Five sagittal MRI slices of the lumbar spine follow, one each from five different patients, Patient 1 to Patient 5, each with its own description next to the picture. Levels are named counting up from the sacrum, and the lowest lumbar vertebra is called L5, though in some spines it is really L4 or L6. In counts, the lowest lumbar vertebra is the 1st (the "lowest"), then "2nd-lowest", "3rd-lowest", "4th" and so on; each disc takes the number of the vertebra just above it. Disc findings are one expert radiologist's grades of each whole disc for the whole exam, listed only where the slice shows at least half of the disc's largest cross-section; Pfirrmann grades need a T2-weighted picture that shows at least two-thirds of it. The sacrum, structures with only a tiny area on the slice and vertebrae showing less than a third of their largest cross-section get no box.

Patient 1 of 5:
Slice spacing 3.3 mm. Sex F. MRI lumbar spine (T1-weighted), sagittal plane. Slice 17/24. Image 448x448.

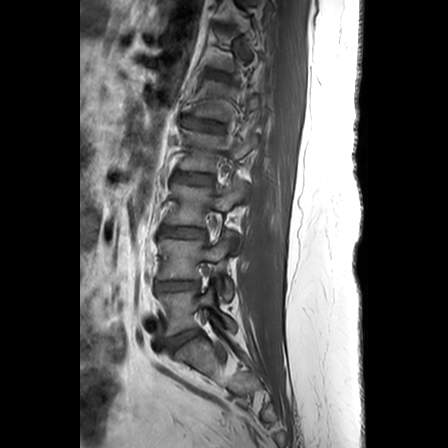

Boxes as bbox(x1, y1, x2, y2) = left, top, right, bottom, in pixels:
T12/L1 (6th disc) at bbox(206, 70, 225, 76); L5 (lowest vertebra) at bbox(159, 284, 236, 334); L3/L4 (3rd-lowest disc) at bbox(162, 226, 205, 236); L4/L5 (2nd-lowest disc) at bbox(155, 281, 199, 291); intervertebral disc L5/S1 (lowest disc) at bbox(169, 329, 200, 350); L3 (3rd-lowest vertebra) at bbox(165, 183, 248, 253); L2 (4th vertebra) at bbox(179, 128, 258, 171); intervertebral disc L2/L3 (4th disc) at bbox(175, 171, 212, 183); L1 (5th vertebra) at bbox(191, 80, 265, 120); L4 (2nd-lowest vertebra) at bbox(159, 233, 235, 299); L1/L2 (5th disc) at bbox(184, 116, 223, 130).

Degenerative findings by level:
  L1/L2 (5th disc): Modic type II, disc bulging, upper-endplate change
  L4/L5 (2nd-lowest disc): disc narrowing
  L3/L4 (3rd-lowest disc): upper-endplate change
  L2/L3 (4th disc): no spondylolisthesis, narrowing, bulging, herniation, Modic or endplate change recorded

Patient 2 of 5:
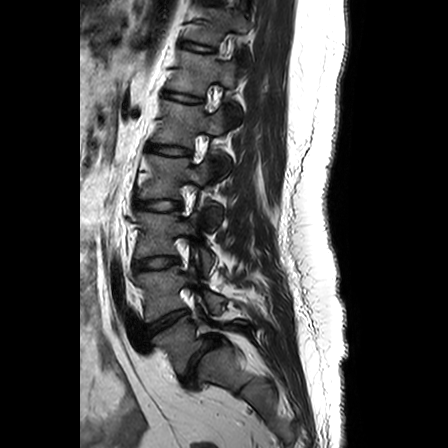 Image 448x448 | Sagittal slice index 16 | MRI lumbar spine (T2-weighted), sagittal plane
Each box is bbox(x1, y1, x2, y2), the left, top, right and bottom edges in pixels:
Disc L5/S1 at bbox(181, 336, 219, 385); L4/L5 at bbox(145, 309, 188, 334); T12/L1 at bbox(166, 92, 201, 102); L4 at bbox(136, 266, 223, 321); L3/L4 at bbox(134, 257, 178, 270); L3 vertebra at bbox(135, 212, 214, 271); L2 vertebra at bbox(138, 154, 217, 218); T11 vertebra at bbox(185, 7, 248, 44); T12 vertebra at bbox(167, 49, 235, 94); L5 vertebra at bbox(152, 310, 249, 375); L2/L3 at bbox(134, 199, 180, 210); disc L1/L2 at bbox(148, 144, 190, 154); disc T11/T12 at bbox(183, 42, 212, 51); L1 at bbox(152, 100, 224, 146).

Expert MSK radiologist gradings (per disc):
- L3/L4: Pfirrmann grade 3
- L1/L2: Pfirrmann grade 1
- L5/S1: Pfirrmann grade 1, spondylolisthesis, lower-endplate change, disc bulging, disc narrowing
- L4/L5: disc bulging
- L2/L3: Pfirrmann grade 4
- T12/L1, T11/T12: no Modic or endplate change, herniation, narrowing, bulging or spondylolisthesis recorded

Patient 3 of 5:
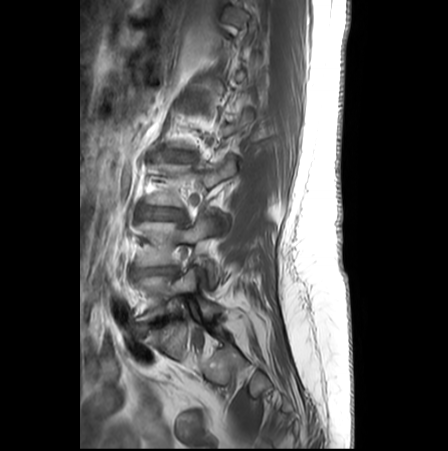

Sagittal slice index 19, Lumbar spine MR, T1-weighted, sagittal
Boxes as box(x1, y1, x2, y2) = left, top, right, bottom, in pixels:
L3/L4 (3rd-lowest disc): box(140, 207, 183, 219)
L4/L5 (2nd-lowest disc): box(131, 267, 178, 277)
IVD L2/L3 (4th disc): box(172, 153, 190, 160)
L5 (lowest vertebra): box(134, 267, 220, 321)
L3 (3rd-lowest vertebra): box(146, 156, 236, 227)
L4 (2nd-lowest vertebra): box(135, 214, 223, 284)
IVD L5/S1 (lowest disc): box(140, 314, 177, 330)

Per-level radiological findings:
  L3/L4 (3rd-lowest disc): disc bulging, Modic type II
  L4/L5 (2nd-lowest disc): disc bulging, disc narrowing, upper-endplate change, Modic type II

Patient 4 of 5:
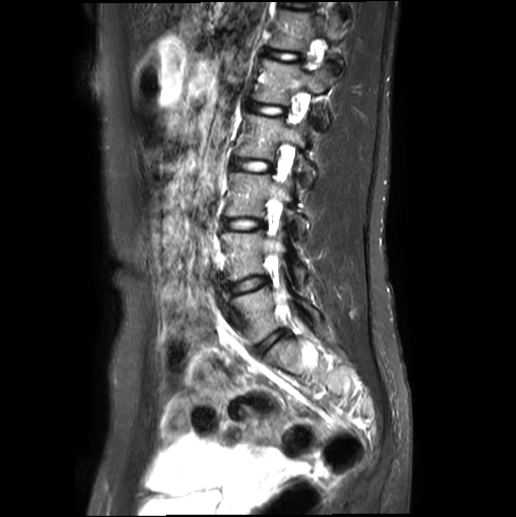
Image 516x517 | T2-weighted sagittal MRI of the lumbar spine | Slice 12 of 18

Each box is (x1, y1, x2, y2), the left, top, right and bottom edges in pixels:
Intervertebral disc L3/L4 at (221, 218, 263, 230), intervertebral disc T12/L1 at (269, 50, 300, 61), L5 at (236, 284, 318, 344), L3 at (225, 172, 308, 234), thecal sac / spinal canal at (273, 39, 318, 216), L4 at (223, 231, 306, 283), L1/L2 at (251, 105, 286, 115), L1 at (255, 58, 331, 125), T12 at (270, 8, 340, 52), L4/L5 at (224, 277, 267, 296), intervertebral disc L2/L3 at (235, 160, 273, 171), L5/S1 at (259, 332, 281, 350), L2 at (238, 114, 315, 185).

Per-level radiological findings:
• L3/L4: Pfirrmann grade 1
• L4/L5: Pfirrmann grade 1
• L2/L3: Pfirrmann grade 1
• T12/L1, L1/L2: no spondylolisthesis, narrowing, bulging, herniation, Modic or endplate change recorded

Patient 5 of 5:
Sagittal T2-weighted lumbar spine MRI, Patient sex: M

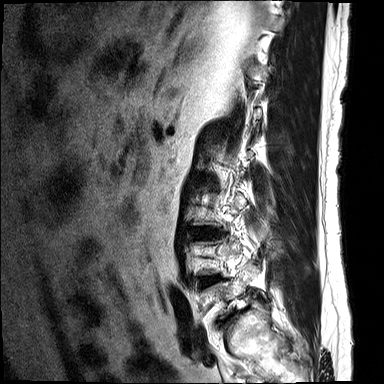
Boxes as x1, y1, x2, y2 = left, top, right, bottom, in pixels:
Intervertebral disc L4/L5 (2nd-lowest disc): 202, 277, 216, 284.
L3/L4 (3rd-lowest disc): 197, 228, 215, 236.